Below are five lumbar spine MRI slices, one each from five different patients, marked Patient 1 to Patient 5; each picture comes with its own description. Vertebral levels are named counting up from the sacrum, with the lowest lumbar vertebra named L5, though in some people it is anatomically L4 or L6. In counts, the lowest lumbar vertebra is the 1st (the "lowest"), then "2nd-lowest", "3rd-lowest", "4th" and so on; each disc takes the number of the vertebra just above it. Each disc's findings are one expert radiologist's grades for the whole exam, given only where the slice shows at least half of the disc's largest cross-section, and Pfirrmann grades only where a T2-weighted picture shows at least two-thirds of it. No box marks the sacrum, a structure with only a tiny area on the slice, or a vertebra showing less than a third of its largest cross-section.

Patient 1 of 5:
Sagittal T2-weighted lumbar spine MRI; Philips Healthcare Ingenia (3T); Sagittal slice index 20; 1092x1108 px

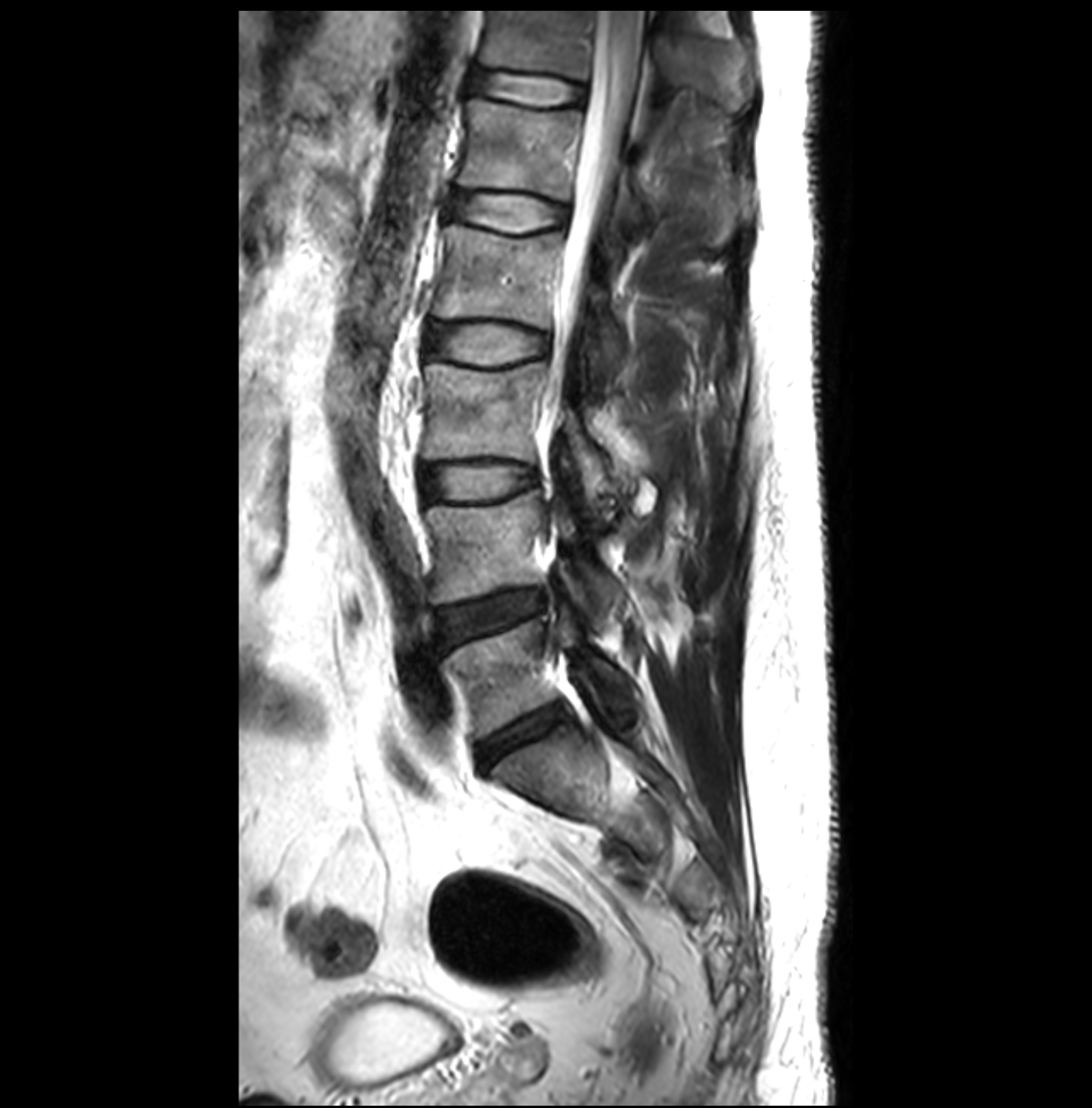
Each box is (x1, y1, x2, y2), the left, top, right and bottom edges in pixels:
{"4th disc": "(428, 326, 547, 364)", "5th vertebra": "(457, 98, 654, 222)", "3rd-lowest disc": "(419, 463, 537, 499)", "lowest vertebra": "(447, 608, 630, 739)", "4th vertebra": "(433, 225, 620, 366)", "5th disc": "(449, 195, 564, 231)", "lowest disc": "(474, 705, 565, 767)", "6th disc": "(471, 70, 585, 106)", "6th vertebra": "(480, 12, 746, 111)", "3rd-lowest vertebra": "(422, 363, 605, 503)", "spinal canal": "(542, 12, 644, 435)", "2nd-lowest disc": "(436, 590, 547, 643)", "2nd-lowest vertebra": "(423, 490, 620, 628)"}

Per-level radiological findings:
• 3rd-lowest disc: Pfirrmann grade 1
• 4th disc: Pfirrmann grade 1
• 6th disc: Pfirrmann grade 1
• 2nd-lowest disc: Pfirrmann grade 3, disc herniation
• 5th disc: Pfirrmann grade 1
• lowest disc: Pfirrmann grade 3

Patient 2 of 5:
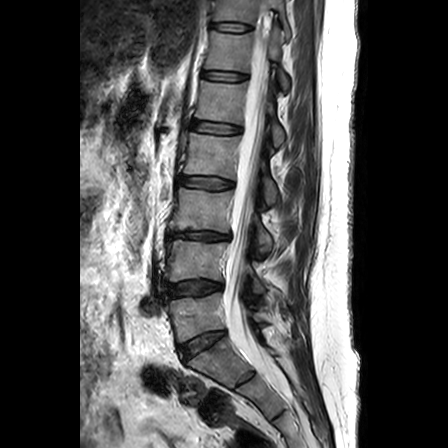 Slice 11 of 24 | Sagittal T2-weighted lumbar spine MRI
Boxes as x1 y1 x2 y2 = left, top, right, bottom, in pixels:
• L3 vertebra = 169 188 271 257
• T12 vertebra = 205 27 288 93
• L2/L3 = 177 176 232 189
• L4 vertebra = 165 240 265 293
• T11 = 215 0 289 36
• IVD L5/S1 = 179 331 224 359
• L2 = 184 133 277 205
• T12/L1 = 202 71 246 81
• spinal canal = 223 35 281 383
• L3/L4 = 167 231 229 240
• IVD L1/L2 = 191 120 240 133
• L5 = 166 293 259 342
• IVD T11/T12 = 212 22 250 31
• L4/L5 = 167 280 222 295
• L1 vertebra = 196 80 284 146

Expert MSK radiologist gradings (per disc):
- L2/L3: Pfirrmann grade 1
- L4/L5: Pfirrmann grade 3, disc bulging
- L3/L4: Pfirrmann grade 3, disc narrowing, Modic type II, lower-endplate change, upper-endplate change, disc herniation
- L5/S1: Pfirrmann grade 3
- T12/L1: Pfirrmann grade 2
- T11/T12: Pfirrmann grade 1
- L1/L2: Pfirrmann grade 2

Patient 3 of 5:
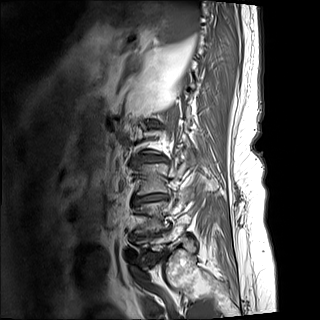

Slice 14/17; MRI lumbar spine (T1-weighted), sagittal plane

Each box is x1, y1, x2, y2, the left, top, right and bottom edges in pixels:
Annotations:
* intervertebral disc L2/L3 — 132, 155, 167, 164
* intervertebral disc L3/L4 — 133, 193, 167, 204
* L4 vertebra — 135, 189, 192, 233
* L3 — 132, 161, 188, 195
* L5 — 135, 224, 185, 258
* L4/L5 — 131, 230, 164, 238

Per-level radiological findings:
- L3/L4: disc bulging, disc narrowing, Modic type II, upper-endplate change, lower-endplate change
- L2/L3: Modic type I, lower-endplate change, upper-endplate change, disc bulging, disc narrowing

Patient 4 of 5:
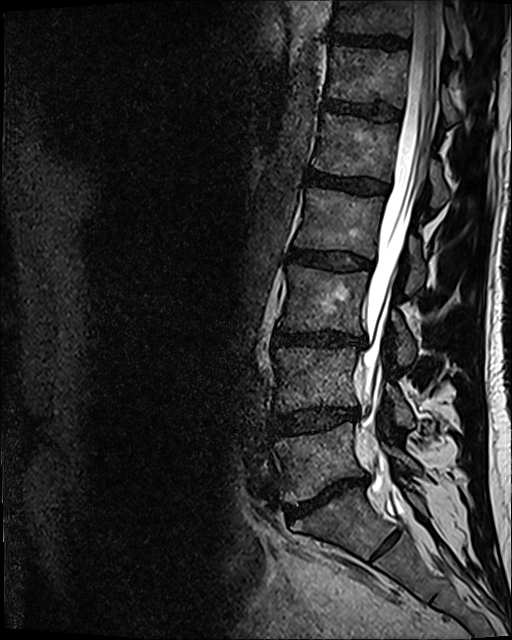 T2 SPACE (3D) sagittal MRI of the lumbar spine. Slice spacing 0.9 mm.

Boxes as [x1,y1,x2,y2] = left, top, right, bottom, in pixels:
T12/L1 at [325,101,401,120], disc L1/L2 at [306,170,389,195], L4 vertebra at [274,347,414,426], L1 vertebra at [313,112,448,208], disc L5/S1 at [287,476,366,519], T11 at [331,0,461,56], disc L2/L3 at [291,249,372,270], L4/L5 at [273,408,359,436], thecal sac / spinal canal at [362,1,442,507], L3 vertebra at [280,265,415,365], L5 vertebra at [275,423,420,503], disc L3/L4 at [274,331,365,346], T12 at [328,45,491,122], T11/T12 at [329,34,408,50], L2 vertebra at [295,188,425,294].

Radiological gradings:
• T12/L1: Pfirrmann grade 3
• L1/L2: Pfirrmann grade 4
• L2/L3: Pfirrmann grade 3, disc bulging
• L4/L5: Pfirrmann grade 3, disc narrowing, disc bulging
• L3/L4: Pfirrmann grade 4, disc narrowing, lower-endplate change, disc bulging
• L5/S1: Pfirrmann grade 5, disc narrowing, Modic type II, disc bulging
• T11/T12: Pfirrmann grade 4

Patient 5 of 5:
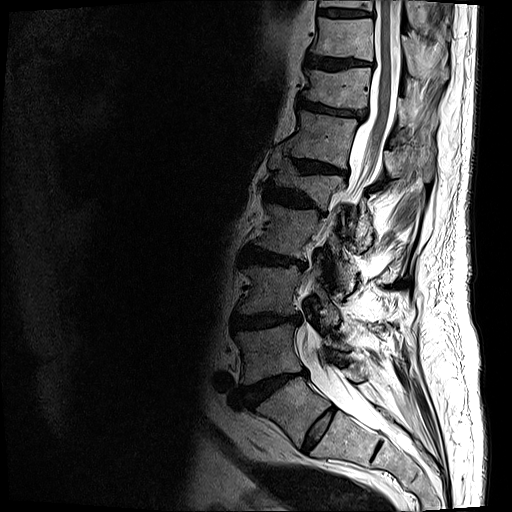 512x512 px | MRI lumbar spine (T2-weighted), sagittal plane

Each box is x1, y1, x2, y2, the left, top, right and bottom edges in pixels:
Segmented structures:
* T10 (8th vertebra): 310, 17, 449, 83
* T11 (7th vertebra): 302, 68, 435, 126
* disc T9/T10 (9th disc): 318, 8, 371, 17
* L2 (4th vertebra): 254, 201, 352, 284
* L3 (3rd-lowest vertebra): 237, 261, 340, 325
* L2/L3 (4th disc): 240, 247, 306, 270
* L4 (2nd-lowest vertebra): 235, 323, 349, 384
* T9 (9th vertebra): 319, 0, 450, 38
* spinal canal: 296, 0, 411, 445
* L5 (lowest vertebra): 256, 368, 365, 447
* disc T10/T11 (8th disc): 306, 55, 371, 70
* L1 (5th vertebra): 270, 153, 372, 237
* T12 (6th vertebra): 285, 110, 435, 182
* T11/T12 (7th disc): 298, 97, 363, 119
* L1/L2 (5th disc): 264, 185, 324, 212
* L4/L5 (2nd-lowest disc): 242, 369, 307, 408
* L5/S1 (lowest disc): 301, 408, 335, 452
* L3/L4 (3rd-lowest disc): 231, 313, 301, 330
* T12/L1 (6th disc): 276, 143, 347, 174

Radiological gradings:
- L2/L3 (4th disc): Pfirrmann grade 4, disc bulging, lower-endplate change, Modic type II, disc narrowing, upper-endplate change
- L3/L4 (3rd-lowest disc): Pfirrmann grade 4, lower-endplate change, upper-endplate change, disc narrowing, disc bulging
- T11/T12 (7th disc): Pfirrmann grade 4, disc narrowing, lower-endplate change, disc bulging, upper-endplate change
- T9/T10 (9th disc): Pfirrmann grade 3, lower-endplate change
- L1/L2 (5th disc): Pfirrmann grade 4, disc narrowing, upper-endplate change, disc bulging, lower-endplate change
- T12/L1 (6th disc): Pfirrmann grade 4, lower-endplate change, disc narrowing, disc bulging, upper-endplate change
- L5/S1 (lowest disc): Pfirrmann grade 2
- L4/L5 (2nd-lowest disc): Pfirrmann grade 5, lower-endplate change, upper-endplate change, disc bulging, disc narrowing, Modic type II, disc herniation
- T10/T11 (8th disc): Pfirrmann grade 4, upper-endplate change, lower-endplate change, disc bulging